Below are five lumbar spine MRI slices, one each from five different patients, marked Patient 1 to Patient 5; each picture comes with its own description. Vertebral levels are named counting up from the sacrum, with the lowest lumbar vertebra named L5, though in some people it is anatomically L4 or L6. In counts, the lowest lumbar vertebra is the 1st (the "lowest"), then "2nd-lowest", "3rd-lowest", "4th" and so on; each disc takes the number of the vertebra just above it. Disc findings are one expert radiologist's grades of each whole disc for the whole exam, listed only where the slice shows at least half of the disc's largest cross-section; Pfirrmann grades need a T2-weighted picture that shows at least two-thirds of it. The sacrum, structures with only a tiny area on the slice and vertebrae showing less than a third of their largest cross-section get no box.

Patient 1 of 5:
Sex F. SIEMENS Avanto_fit (1.5T). Slice 2 of 17. MRI lumbar spine (T2-weighted), sagittal plane. Image 512x512. 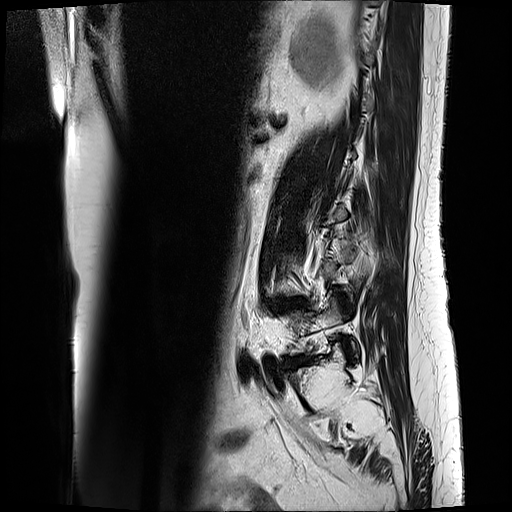 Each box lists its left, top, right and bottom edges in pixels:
* L4/L5 (2nd-lowest disc) at left=275, top=298, right=308, bottom=309
* disc L5/S1 (lowest disc) at left=288, top=355, right=314, bottom=365
* L5 (lowest vertebra) at left=288, top=299, right=355, bottom=354

Patient 2 of 5:
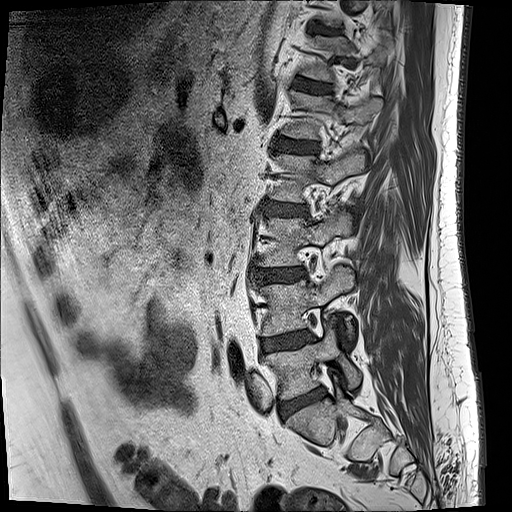

Patient sex: M. MRI lumbar spine (T1-weighted), sagittal plane. Field of view 300x300 mm.
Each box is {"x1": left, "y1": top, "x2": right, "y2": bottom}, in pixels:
• T12 vertebra — {"x1": 299, "y1": 35, "x2": 392, "y2": 81}
• L5 vertebra — {"x1": 265, "y1": 319, "x2": 361, "y2": 398}
• L1 vertebra — {"x1": 279, "y1": 89, "x2": 381, "y2": 139}
• intervertebral disc L5/S1 — {"x1": 279, "y1": 389, "x2": 326, "y2": 416}
• T12/L1 — {"x1": 290, "y1": 78, "x2": 329, "y2": 91}
• L3 — {"x1": 258, "y1": 208, "x2": 350, "y2": 266}
• intervertebral disc L2/L3 — {"x1": 263, "y1": 202, "x2": 305, "y2": 214}
• L3/L4 — {"x1": 254, "y1": 268, "x2": 301, "y2": 282}
• L4 vertebra — {"x1": 259, "y1": 264, "x2": 354, "y2": 337}
• L2 vertebra — {"x1": 269, "y1": 149, "x2": 365, "y2": 202}
• intervertebral disc T11/T12 — {"x1": 314, "y1": 26, "x2": 339, "y2": 34}
• intervertebral disc L1/L2 — {"x1": 271, "y1": 135, "x2": 317, "y2": 153}
• L4/L5 — {"x1": 261, "y1": 330, "x2": 313, "y2": 353}

Degenerative findings by level:
• L4/L5: Modic type II, disc bulging
• L1/L2: disc bulging
• L3/L4: disc bulging, Modic type II
• T12/L1: no Modic or endplate change, herniation, narrowing, bulging or spondylolisthesis recorded

Patient 3 of 5:
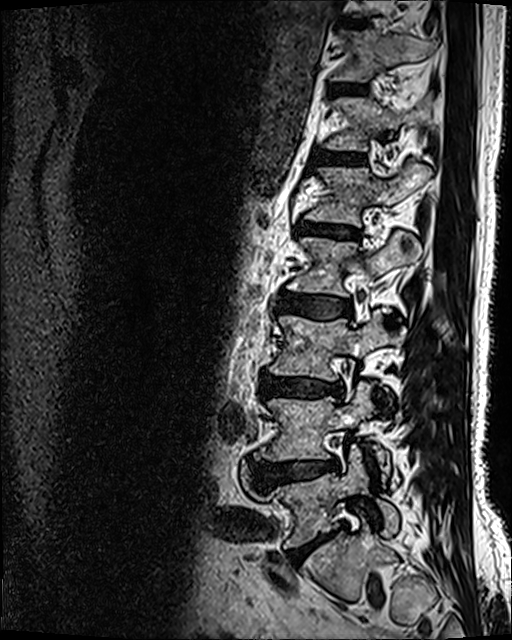 Lumbar spine MR, T2 SPACE (3D), sagittal, Sagittal slice index 40

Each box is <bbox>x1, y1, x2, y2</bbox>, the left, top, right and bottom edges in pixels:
IVD T10/T11 at <bbox>346, 20, 369, 28</bbox>, L4 at <bbox>262, 381, 390, 480</bbox>, T11 vertebra at <bbox>333, 30, 438, 82</bbox>, L4/L5 at <bbox>252, 459, 337, 487</bbox>, L5/S1 at <bbox>288, 530, 337, 562</bbox>, IVD L1/L2 at <bbox>299, 222, 359, 238</bbox>, T12/L1 at <bbox>316, 153, 362, 167</bbox>, L3 at <bbox>270, 311, 406, 380</bbox>, L2 vertebra at <bbox>287, 232, 421, 296</bbox>, L2/L3 at <bbox>276, 291, 351, 317</bbox>, T12 vertebra at <bbox>327, 97, 430, 151</bbox>, IVD T11/T12 at <bbox>334, 86, 362, 91</bbox>, L5 at <bbox>257, 446, 398, 547</bbox>, IVD L3/L4 at <bbox>261, 374, 343, 398</bbox>, L1 at <bbox>307, 164, 431, 226</bbox>.

Expert MSK radiologist gradings (per disc):
• L4/L5: disc herniation, disc bulging
• L1/L2: lower-endplate change, Modic type II, disc narrowing, disc bulging, upper-endplate change
• L3/L4: Pfirrmann grade 4, disc bulging, lower-endplate change, Modic type II, disc narrowing
• L2/L3: Pfirrmann grade 3, disc bulging
• T12/L1: no herniation, bulging, narrowing, spondylolisthesis, endplate or Modic change recorded

Patient 4 of 5:
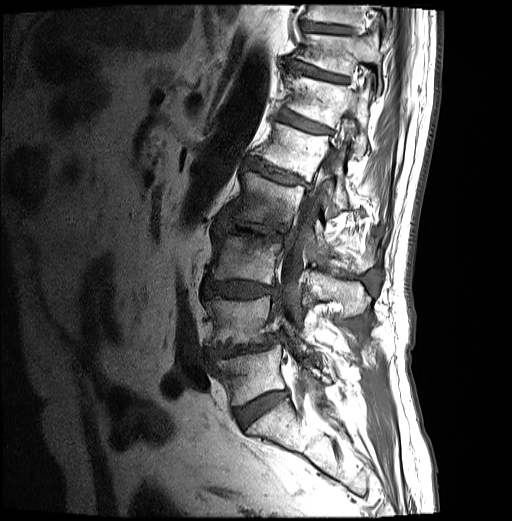 MRI lumbar spine (T1-weighted), sagittal plane. Image 512x521. Slice 14/30.
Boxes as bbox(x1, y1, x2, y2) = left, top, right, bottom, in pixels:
Segmented structures:
• L5/S1 — bbox(235, 392, 286, 426)
• L4/L5 — bbox(210, 336, 273, 357)
• T11 — bbox(296, 31, 382, 91)
• L2 — bbox(227, 172, 375, 273)
• intervertebral disc T12/L1 — bbox(280, 112, 330, 132)
• intervertebral disc T10/T11 — bbox(301, 21, 352, 33)
• intervertebral disc L3/L4 — bbox(204, 280, 276, 297)
• T12 vertebra — bbox(284, 74, 368, 158)
• L4 vertebra — bbox(206, 297, 306, 350)
• L1 — bbox(251, 123, 348, 212)
• T11/T12 — bbox(285, 61, 348, 83)
• intervertebral disc L1/L2 — bbox(245, 158, 308, 186)
• L5 — bbox(216, 345, 330, 405)
• intervertebral disc L2/L3 — bbox(216, 216, 290, 240)
• T10 vertebra — bbox(305, 4, 390, 30)
• thecal sac / spinal canal — bbox(274, 114, 354, 392)
• L3 vertebra — bbox(208, 230, 370, 314)

Expert MSK radiologist gradings (per disc):
- L1/L2: Modic type II, lower-endplate change, disc bulging, upper-endplate change
- T11/T12: lower-endplate change, upper-endplate change, disc bulging
- L3/L4: upper-endplate change, lower-endplate change, disc bulging
- L2/L3: lower-endplate change, upper-endplate change, disc bulging, disc narrowing, Modic type I
- T12/L1: lower-endplate change, disc bulging, upper-endplate change, Modic type II
- T10/T11, L5/S1: no spondylolisthesis, narrowing, bulging, herniation, Modic or endplate change recorded

Patient 5 of 5:
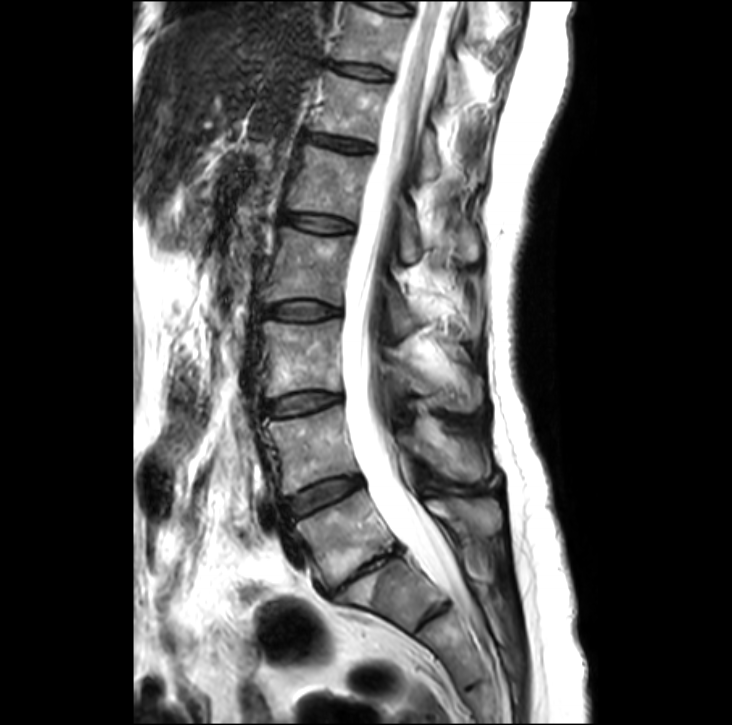

732x725 px; MRI lumbar spine (T2-weighted), sagittal plane
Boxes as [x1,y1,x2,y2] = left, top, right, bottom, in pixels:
L4/L5 (2nd-lowest disc) at [282,477,360,517], L3/L4 (3rd-lowest disc) at [264,393,339,414], L3 (3rd-lowest vertebra) at [262,320,481,410], T11/T12 (7th disc) at [331,63,387,78], L4 (2nd-lowest vertebra) at [262,406,489,495], disc L5/S1 (lowest disc) at [332,547,401,595], thecal sac / spinal canal at [341,0,462,595], L2 (4th vertebra) at [266,228,419,343], L5 (lowest vertebra) at [293,490,500,587], L1 (5th vertebra) at [286,145,478,261], T11 (7th vertebra) at [334,4,464,103], L2/L3 (4th disc) at [266,301,337,319], disc L1/L2 (5th disc) at [283,213,351,231], T12/L1 (6th disc) at [307,133,369,151], T12 (6th vertebra) at [313,72,441,177].

Expert MSK radiologist gradings (per disc):
- T11/T12 (7th disc): Pfirrmann grade 2
- T12/L1 (6th disc): Pfirrmann grade 3
- L5/S1 (lowest disc): Pfirrmann grade 5, Modic type II, disc bulging, disc narrowing, upper-endplate change, lower-endplate change
- L4/L5 (2nd-lowest disc): Pfirrmann grade 3, disc bulging
- L2/L3 (4th disc): Pfirrmann grade 2
- L3/L4 (3rd-lowest disc): Pfirrmann grade 2, disc bulging
- L1/L2 (5th disc): Pfirrmann grade 2